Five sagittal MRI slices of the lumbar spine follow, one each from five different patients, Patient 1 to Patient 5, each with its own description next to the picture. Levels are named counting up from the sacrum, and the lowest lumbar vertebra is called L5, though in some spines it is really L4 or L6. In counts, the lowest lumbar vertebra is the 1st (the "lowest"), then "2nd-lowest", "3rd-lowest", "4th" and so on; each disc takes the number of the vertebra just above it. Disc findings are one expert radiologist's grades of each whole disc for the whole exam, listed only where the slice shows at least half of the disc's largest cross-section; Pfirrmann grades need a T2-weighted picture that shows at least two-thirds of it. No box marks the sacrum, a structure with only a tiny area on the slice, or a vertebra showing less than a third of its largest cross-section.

Patient 1 of 5:
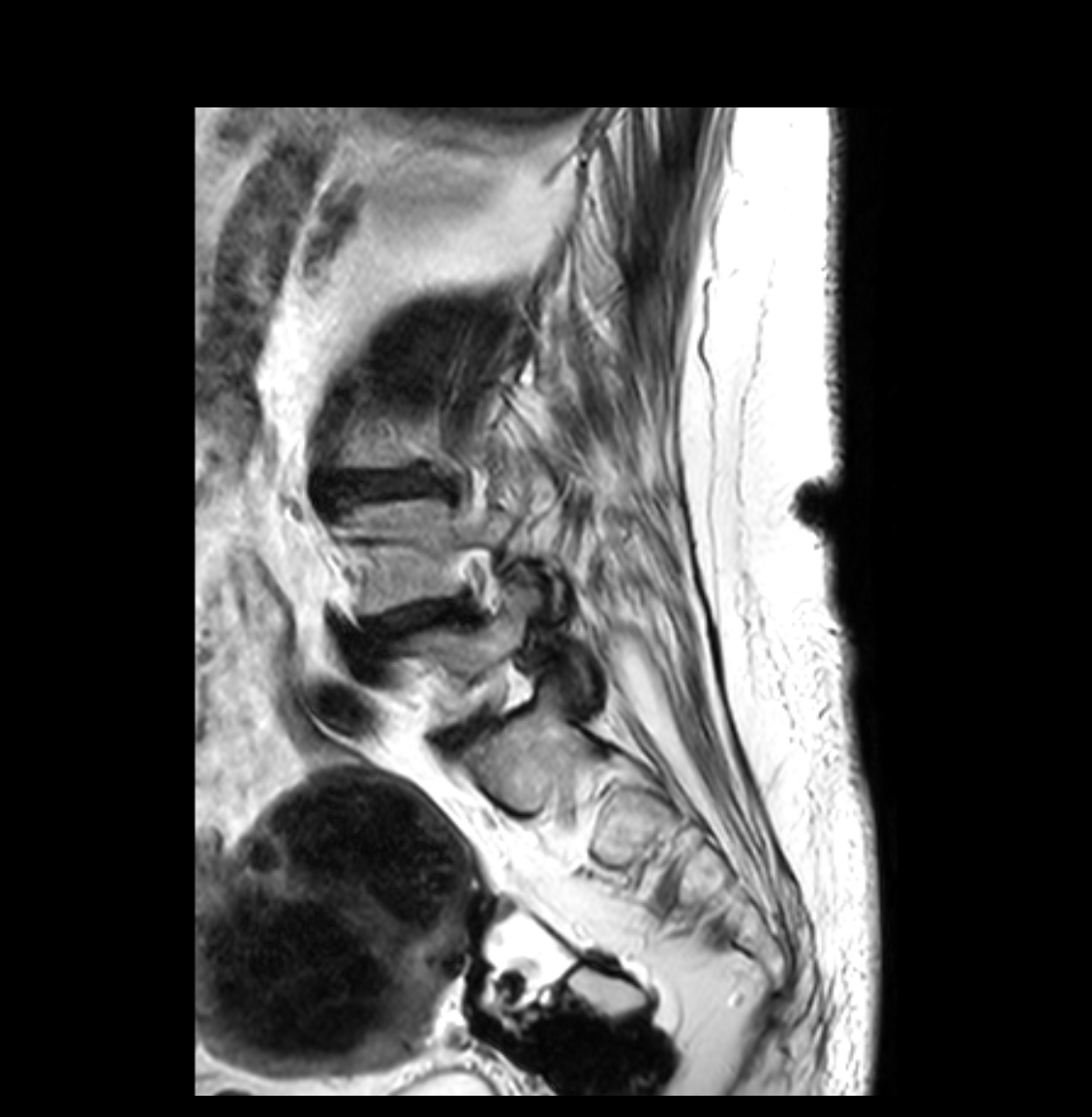

MRI lumbar spine (T2-weighted), sagittal plane
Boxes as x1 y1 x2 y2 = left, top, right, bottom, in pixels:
L5 at 392 574 540 725, L4/L5 at 371 605 460 634, L5/S1 at 451 725 474 740, L3/L4 at 337 473 423 497, L4 vertebra at 342 499 560 614.

Expert MSK radiologist gradings (per disc):
  L4/L5: disc narrowing, disc bulging
  L3/L4: spondylolisthesis, disc narrowing, disc bulging

Patient 2 of 5:
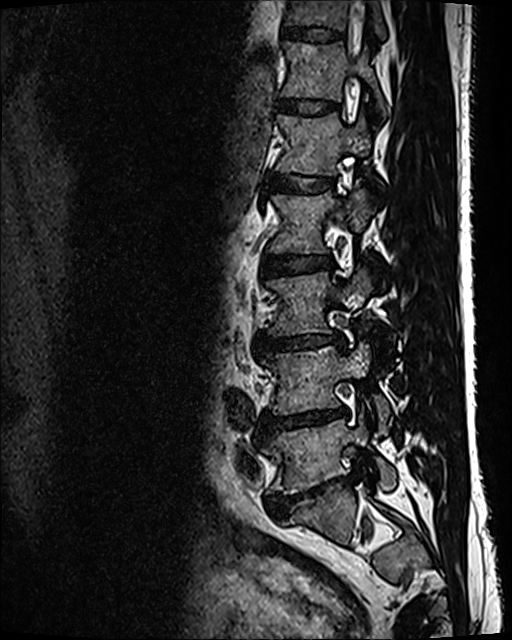
MRI lumbar spine (T2 SPACE (3D)), sagittal plane
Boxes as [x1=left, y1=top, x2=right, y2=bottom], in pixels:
- T11 = [x1=282, y1=0, x2=387, y2=40]
- L3 vertebra = [x1=270, y1=259, x2=379, y2=334]
- L1 = [x1=276, y1=111, x2=370, y2=175]
- L5 = [x1=265, y1=414, x2=396, y2=494]
- intervertebral disc L4/L5 = [x1=263, y1=407, x2=346, y2=432]
- intervertebral disc T12/L1 = [x1=277, y1=99, x2=337, y2=114]
- L2 = [x1=268, y1=180, x2=378, y2=254]
- intervertebral disc T11/T12 = [x1=281, y1=27, x2=343, y2=41]
- T12 = [x1=282, y1=41, x2=384, y2=111]
- L4 = [x1=263, y1=341, x2=392, y2=433]
- intervertebral disc L1/L2 = [x1=269, y1=174, x2=332, y2=192]
- intervertebral disc L5/S1 = [x1=269, y1=478, x2=340, y2=516]
- L2/L3 = [x1=261, y1=255, x2=329, y2=277]
- L3/L4 = [x1=259, y1=335, x2=343, y2=351]

Per-level radiological findings:
- L3/L4: Pfirrmann grade 3, disc bulging, disc narrowing
- L4/L5: Pfirrmann grade 5, disc narrowing, lower-endplate change, disc bulging, Modic type II
- T12/L1: Pfirrmann grade 2
- L1/L2: Pfirrmann grade 2
- L2/L3: Pfirrmann grade 2
- T11/T12: Pfirrmann grade 2

Patient 3 of 5:
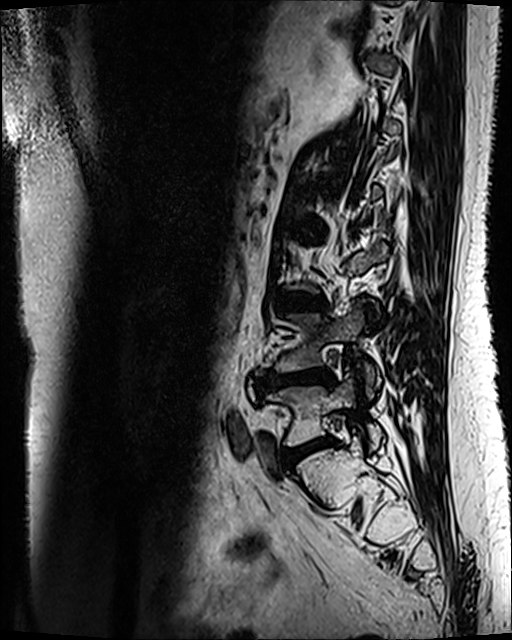

Image 512x640. Sagittal T2 SPACE (3D) lumbar spine MRI.
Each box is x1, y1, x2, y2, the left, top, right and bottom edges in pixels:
L4/L5 at 257, 369, 333, 390; L5 at 268, 373, 384, 448; IVD L5/S1 at 281, 439, 333, 467; L3/L4 at 278, 296, 323, 309; L4 vertebra at 258, 310, 380, 397.

Per-level radiological findings:
• L4/L5: Pfirrmann grade 4, upper-endplate change, Modic type II, lower-endplate change, disc bulging, disc narrowing

Patient 4 of 5:
T2-weighted sagittal MRI of the lumbar spine. 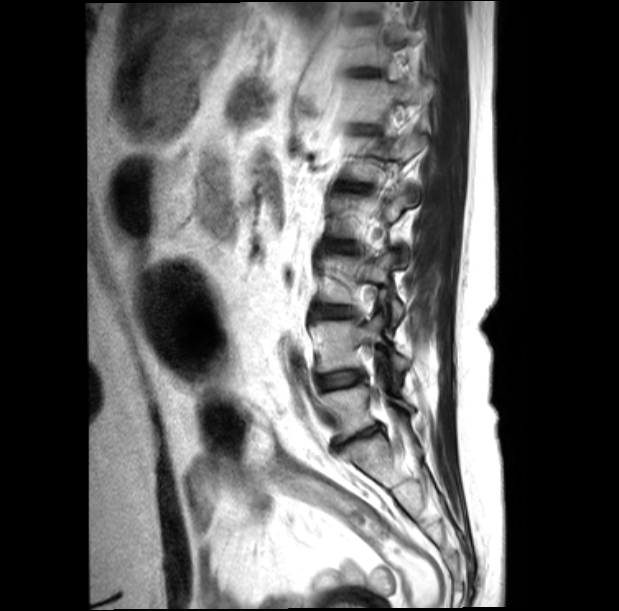
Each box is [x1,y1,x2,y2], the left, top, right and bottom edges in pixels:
• 6th vertebra at [356,76,434,123]
• lowest vertebra at [323,382,414,441]
• 7th vertebra at [354,24,402,66]
• 2nd-lowest vertebra at [316,316,409,372]
• 3rd-lowest vertebra at [321,252,402,322]
• lowest disc at [339,425,379,448]
• 2nd-lowest disc at [318,371,361,389]
• 5th vertebra at [347,133,427,181]
• 3rd-lowest disc at [319,307,351,316]

Per-level radiological findings:
• 2nd-lowest disc: disc bulging

Patient 5 of 5:
Scanner: SIEMENS Avanto_fit (1.5T). Lumbar spine MR, T2 SPACE (3D), sagittal.
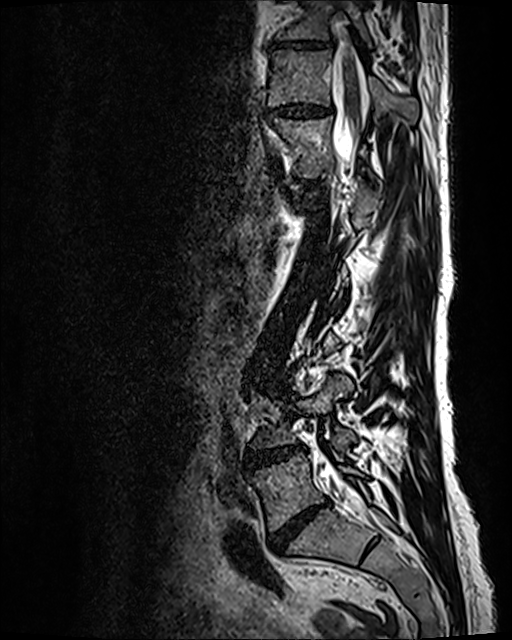

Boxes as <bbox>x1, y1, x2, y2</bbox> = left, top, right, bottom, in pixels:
8th disc at <bbox>272, 39, 333, 49</bbox>, 2nd-lowest vertebra at <bbox>252, 374, 356, 454</bbox>, thecal sac / spinal canal at <bbox>320, 46, 374, 522</bbox>, 7th disc at <bbox>267, 101, 333, 118</bbox>, lowest vertebra at <bbox>251, 453, 363, 531</bbox>, 7th vertebra at <bbox>268, 50, 417, 121</bbox>, 2nd-lowest disc at <bbox>245, 447, 303, 469</bbox>, lowest disc at <bbox>269, 502, 326, 551</bbox>, 8th vertebra at <bbox>276, 2, 372, 47</bbox>, 6th vertebra at <bbox>270, 117, 371, 178</bbox>.

Degenerative findings by level:
• lowest disc: Pfirrmann grade 5, disc bulging, Modic type II, lower-endplate change, upper-endplate change, disc narrowing
• 2nd-lowest disc: Pfirrmann grade 4, disc narrowing, disc bulging, Modic type II
• 7th disc: Pfirrmann grade 3, disc bulging, disc narrowing
• 8th disc: Pfirrmann grade 3, disc narrowing, disc bulging